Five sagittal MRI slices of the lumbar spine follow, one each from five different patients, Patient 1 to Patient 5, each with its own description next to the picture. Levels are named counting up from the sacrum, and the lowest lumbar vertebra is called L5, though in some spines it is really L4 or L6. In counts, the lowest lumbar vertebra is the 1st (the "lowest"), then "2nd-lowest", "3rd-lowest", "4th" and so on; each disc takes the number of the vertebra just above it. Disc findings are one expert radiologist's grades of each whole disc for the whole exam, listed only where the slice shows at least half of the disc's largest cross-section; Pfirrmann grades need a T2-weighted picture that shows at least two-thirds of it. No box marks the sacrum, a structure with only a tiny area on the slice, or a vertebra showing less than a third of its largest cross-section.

Patient 1 of 5:
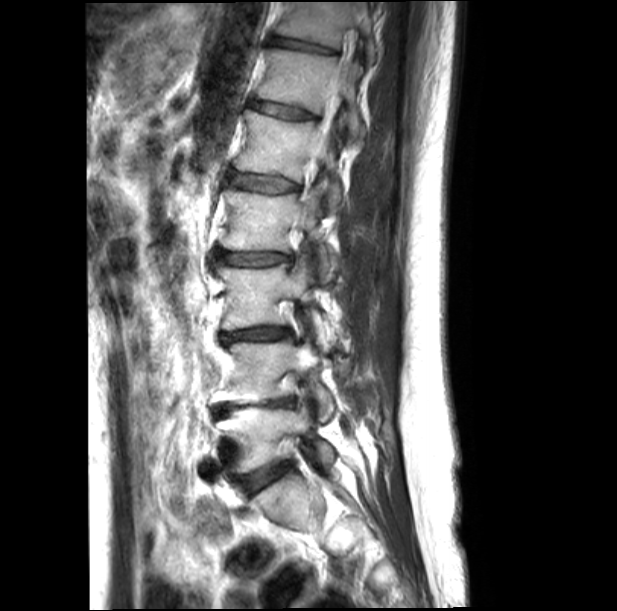

Sex M, Sagittal T2-weighted lumbar spine MRI

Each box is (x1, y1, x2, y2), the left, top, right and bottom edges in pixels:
intervertebral disc L5/S1 = (242, 461, 291, 493) | intervertebral disc L4/L5 = (214, 397, 295, 416) | T11 vertebra = (275, 2, 373, 59) | L3 = (216, 258, 335, 349) | thecal sac / spinal canal = (310, 85, 340, 163) | L4 vertebra = (217, 341, 333, 419) | intervertebral disc L2/L3 = (214, 250, 292, 265) | T12 vertebra = (255, 48, 365, 142) | intervertebral disc L1/L2 = (231, 174, 298, 193) | L3/L4 = (220, 327, 291, 343) | L5 vertebra = (217, 405, 333, 472) | intervertebral disc T11/T12 = (269, 35, 335, 52) | L1 vertebra = (234, 110, 341, 210) | L2 = (220, 190, 338, 281) | T12/L1 = (248, 100, 314, 119)

Degenerative findings by level:
• L1/L2: Pfirrmann grade 3, lower-endplate change, disc bulging, upper-endplate change
• L4/L5: disc narrowing, disc bulging, upper-endplate change, lower-endplate change
• L3/L4: Pfirrmann grade 3, lower-endplate change, disc narrowing, upper-endplate change, disc bulging
• L2/L3: Pfirrmann grade 3, disc bulging, lower-endplate change, upper-endplate change
• T11/T12: Pfirrmann grade 3, lower-endplate change, upper-endplate change, disc narrowing
• T12/L1: Pfirrmann grade 3, lower-endplate change, disc bulging, disc narrowing, upper-endplate change

Patient 2 of 5:
Sagittal T2 SPACE (3D) lumbar spine MRI, Sagittal slice index 53, 512x640 px, SIEMENS Avanto_fit (1.5T)
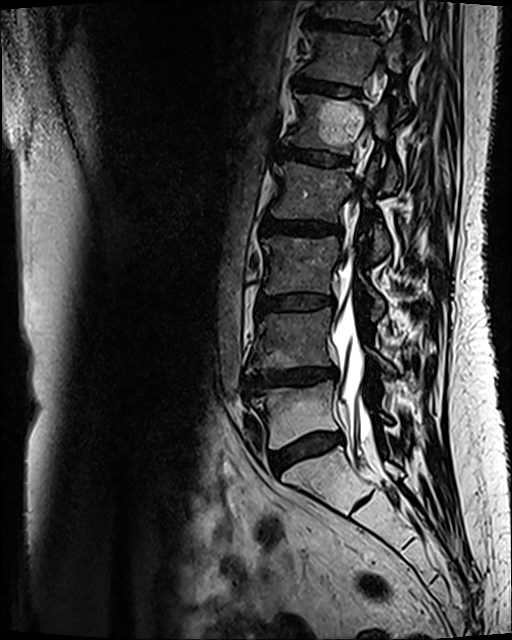 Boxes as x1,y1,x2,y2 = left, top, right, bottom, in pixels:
{"3rd-lowest vertebra": "262,236,384,319", "6th disc": "293,77,358,96", "3rd-lowest disc": "257,295,333,312", "2nd-lowest disc": "242,368,336,394", "4th disc": "261,217,342,235", "4th vertebra": "271,163,389,259", "lowest vertebra": "251,380,390,448", "7th vertebra": "315,0,420,43", "2nd-lowest vertebra": "246,308,389,373", "lowest disc": "271,433,342,473", "5th vertebra": "287,93,399,191", "spinal canal": "333,249,373,442", "5th disc": "282,147,347,166", "7th disc": "307,17,374,32", "6th vertebra": "304,32,405,116"}

Radiological gradings:
• 4th disc: Pfirrmann grade 3, Modic type II, disc bulging
• 3rd-lowest disc: Pfirrmann grade 3, disc bulging, Modic type II
• 5th disc: Pfirrmann grade 3, Modic type II
• 7th disc: Pfirrmann grade 4, lower-endplate change, Modic type II, upper-endplate change
• 6th disc: Pfirrmann grade 3, Modic type II
• 2nd-lowest disc: Pfirrmann grade 4, Modic type II, lower-endplate change, upper-endplate change, disc narrowing, disc bulging
• lowest disc: Pfirrmann grade 3, disc bulging, Modic type II

Patient 3 of 5:
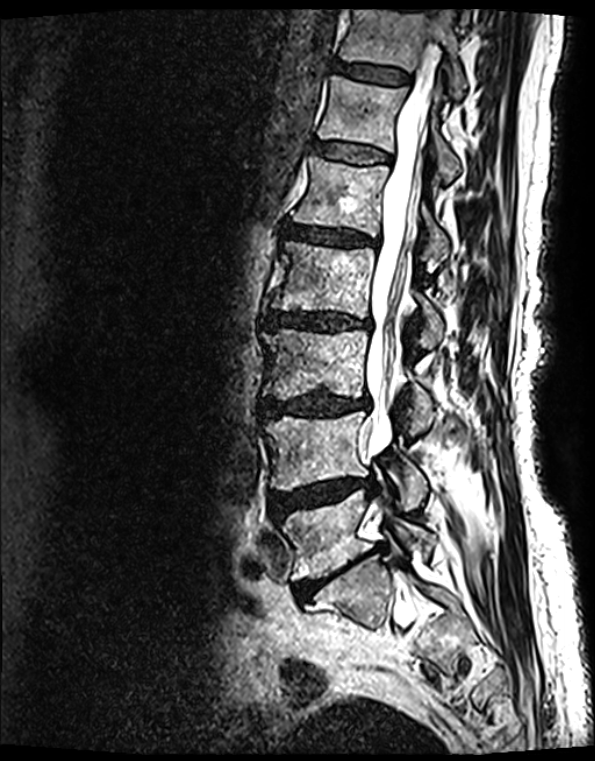 Sex F | Slice 78 of 139 | Sagittal T2 SPACE (3D) lumbar spine MRI

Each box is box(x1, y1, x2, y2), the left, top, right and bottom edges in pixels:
L5 = box(280, 489, 428, 579).
Disc T12/L1 = box(313, 144, 388, 164).
L2/L3 = box(266, 312, 369, 330).
L2 = box(271, 243, 443, 340).
T12 = box(317, 76, 459, 184).
T11/T12 = box(334, 63, 408, 85).
T11 = box(338, 10, 465, 99).
L4 = box(264, 412, 429, 505).
L1 = box(293, 159, 448, 251).
Spinal canal = box(365, 37, 442, 458).
L4/L5 = box(271, 480, 375, 522).
Disc L1/L2 = box(288, 226, 372, 245).
L3 = box(263, 330, 433, 420).
L5/S1 = box(294, 548, 378, 598).
L3/L4 = box(266, 392, 368, 416).

Degenerative findings by level:
• T12/L1: Pfirrmann grade 2, Modic type II, upper-endplate change, lower-endplate change
• L4/L5: Pfirrmann grade 4, disc herniation, upper-endplate change, disc narrowing, disc bulging, lower-endplate change, Modic type II
• L3/L4: Pfirrmann grade 4, disc narrowing, disc bulging, upper-endplate change, Modic type II, lower-endplate change
• T11/T12: Pfirrmann grade 2, Modic type II, lower-endplate change, upper-endplate change
• L2/L3: Pfirrmann grade 4, disc bulging, Modic type II, upper-endplate change, disc narrowing, lower-endplate change
• L1/L2: Pfirrmann grade 4, disc narrowing, lower-endplate change, disc bulging, upper-endplate change, Modic type II

Patient 4 of 5:
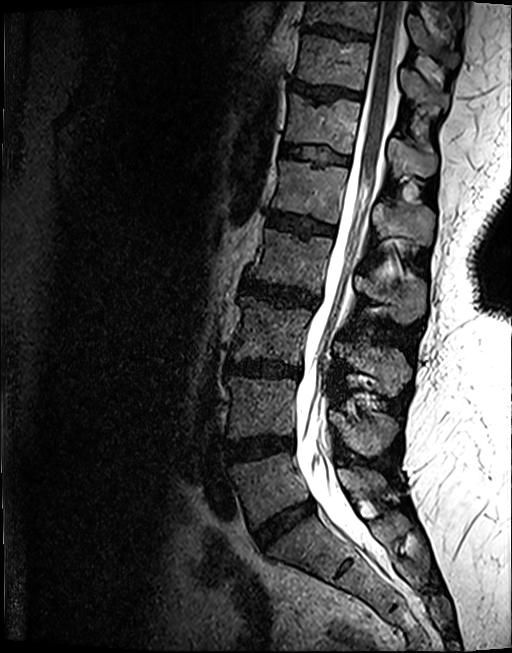 MRI lumbar spine (T2 SPACE (3D)), sagittal plane

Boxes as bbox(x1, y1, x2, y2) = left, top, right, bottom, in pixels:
Annotations:
- intervertebral disc L5/S1 = bbox(255, 501, 314, 547)
- T11 vertebra = bbox(297, 33, 448, 108)
- spinal canal = bbox(296, 0, 405, 554)
- L1 vertebra = bbox(271, 160, 433, 243)
- intervertebral disc T10/T11 = bbox(305, 24, 370, 38)
- L3 = bbox(230, 296, 409, 395)
- L4 = bbox(227, 376, 395, 455)
- L2 vertebra = bbox(250, 228, 425, 323)
- intervertebral disc L3/L4 = bbox(227, 360, 300, 376)
- T10 vertebra = bbox(305, 0, 459, 66)
- T12 vertebra = bbox(285, 93, 436, 175)
- T12/L1 = bbox(282, 144, 348, 163)
- intervertebral disc L1/L2 = bbox(268, 211, 333, 235)
- L4/L5 = bbox(224, 436, 293, 462)
- L5 vertebra = bbox(229, 451, 386, 527)
- L2/L3 = bbox(242, 279, 318, 307)
- intervertebral disc T11/T12 = bbox(292, 80, 360, 99)

Per-level radiological findings:
  T11/T12: Pfirrmann grade 4, upper-endplate change
  T12/L1: Pfirrmann grade 3, lower-endplate change, upper-endplate change
  L2/L3: Pfirrmann grade 4, upper-endplate change, disc bulging, lower-endplate change
  T10/T11: Pfirrmann grade 4, upper-endplate change, lower-endplate change
  L5/S1: Pfirrmann grade 4, disc bulging, disc narrowing
  L3/L4: Pfirrmann grade 4, upper-endplate change, disc narrowing, lower-endplate change, disc bulging, Modic type II
  L4/L5: Pfirrmann grade 4, disc bulging, lower-endplate change, Modic type II
  L1/L2: Pfirrmann grade 4, lower-endplate change, upper-endplate change, Modic type II

Patient 5 of 5:
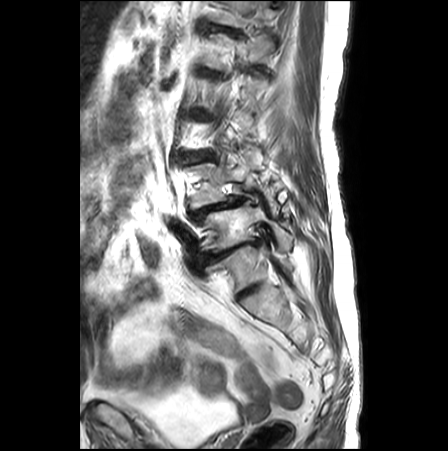

T2-weighted sagittal MRI of the lumbar spine. Slice 20 of 26. 448x451 px.

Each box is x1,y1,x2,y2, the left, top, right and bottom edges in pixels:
{"L3/L4": "183,148,210,162", "IVD L5/S1": "202,239,261,265", "L4/L5": "188,194,244,221", "IVD T12/L1": "201,24,240,34", "L1": "201,33,274,69", "T12 vertebra": "209,1,270,26", "L5": "199,201,290,252", "L4 vertebra": "187,153,278,217"}

Degenerative findings by level:
• L4/L5: Pfirrmann grade 5, disc herniation, disc bulging, lower-endplate change, Modic type II, spondylolisthesis, upper-endplate change, disc narrowing
• L5/S1: Pfirrmann grade 5, disc herniation, disc narrowing, upper-endplate change, Modic type II, lower-endplate change, disc bulging